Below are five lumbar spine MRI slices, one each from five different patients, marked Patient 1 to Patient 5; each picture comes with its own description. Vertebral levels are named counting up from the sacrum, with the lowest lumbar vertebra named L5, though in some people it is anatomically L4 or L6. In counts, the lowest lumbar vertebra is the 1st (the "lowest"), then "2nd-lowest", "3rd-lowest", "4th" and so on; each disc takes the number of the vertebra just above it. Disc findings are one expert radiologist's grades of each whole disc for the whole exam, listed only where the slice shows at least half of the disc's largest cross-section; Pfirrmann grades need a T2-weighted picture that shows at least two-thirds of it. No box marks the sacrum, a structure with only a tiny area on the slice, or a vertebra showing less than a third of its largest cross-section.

Patient 1 of 5:
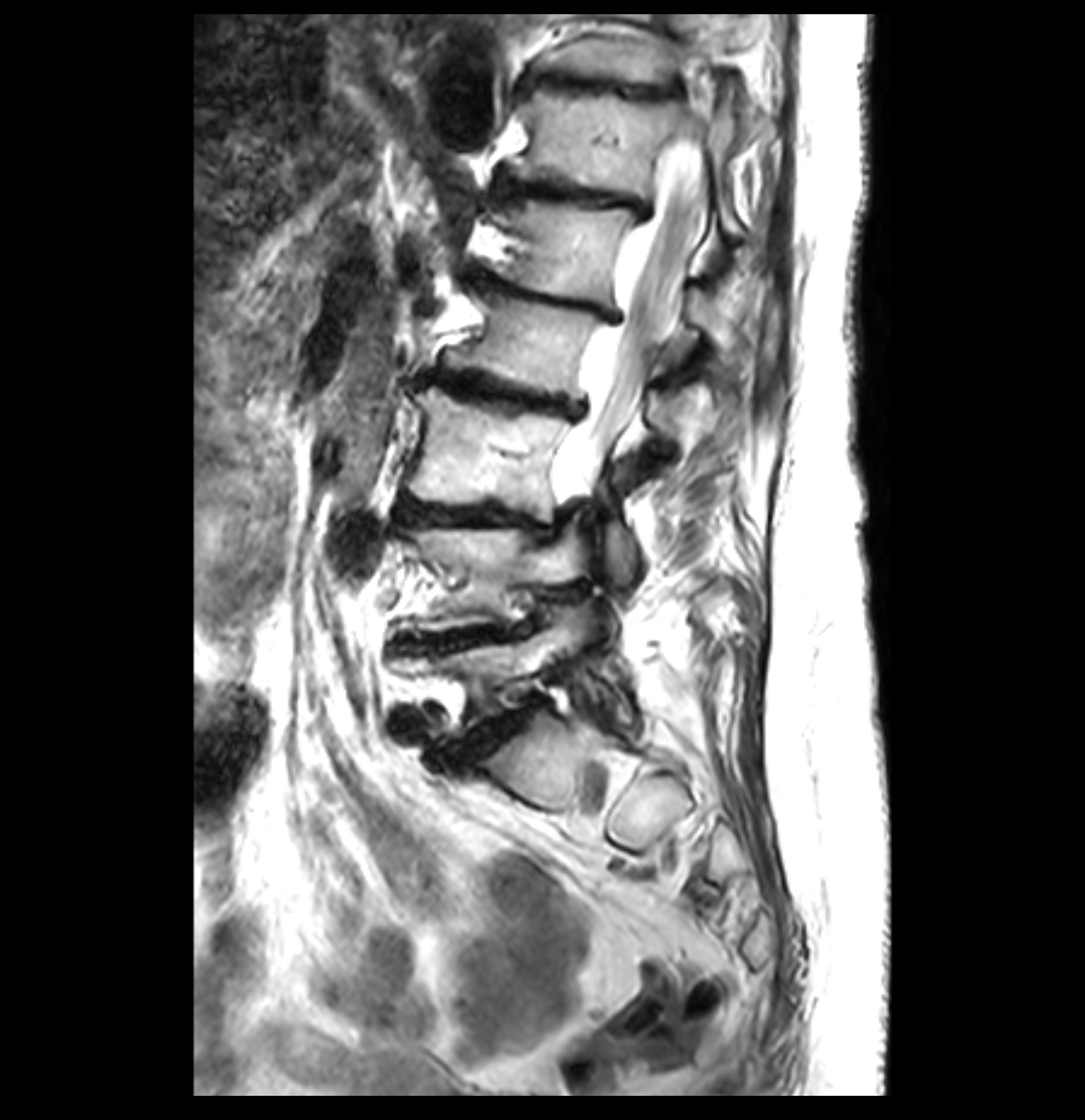
Sagittal T2-weighted lumbar spine MRI; 1085x1120 px
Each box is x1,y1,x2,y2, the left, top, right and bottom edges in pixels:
IVD T11/T12 = 528,74,688,102.
Thecal sac / spinal canal = 559,113,712,490.
L4/L5 = 397,623,532,648.
L1 vertebra = 499,203,728,344.
L3/L4 = 402,502,552,535.
L4 = 395,525,583,634.
IVD L2/L3 = 429,367,583,419.
T12/L1 = 494,180,651,215.
T11 vertebra = 540,16,765,138.
L3 vertebra = 407,385,625,567.
L5/S1 = 455,696,545,768.
L1/L2 = 472,266,622,324.
L2 = 448,297,688,431.
T12 = 513,87,738,234.
L5 vertebra = 412,604,586,737.

Expert MSK radiologist gradings (per disc):
  L3/L4: Pfirrmann grade 5, lower-endplate change, upper-endplate change, Modic type II, disc narrowing, disc bulging
  L1/L2: upper-endplate change, disc bulging, lower-endplate change, Modic type II, disc narrowing
  L4/L5: Modic type II, disc bulging, upper-endplate change, disc narrowing, lower-endplate change
  T12/L1: Modic type II, disc bulging, disc narrowing, lower-endplate change, upper-endplate change
  L5/S1: Pfirrmann grade 5, lower-endplate change, disc bulging, upper-endplate change, Modic type II, disc narrowing, disc herniation
  T11/T12: Modic type II, disc narrowing, upper-endplate change, disc bulging, lower-endplate change

Patient 2 of 5:
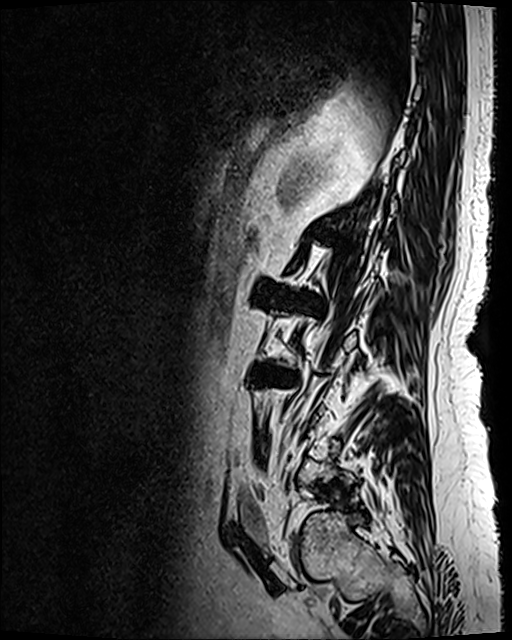

T2 SPACE (3D) sagittal MRI of the lumbar spine; Field of view 240x300 mm; 512x640 px; Sex F

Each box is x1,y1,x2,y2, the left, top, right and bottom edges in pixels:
L3/L4 at 255,368,297,381.
L2/L3 at 281,296,304,306.

Patient 3 of 5:
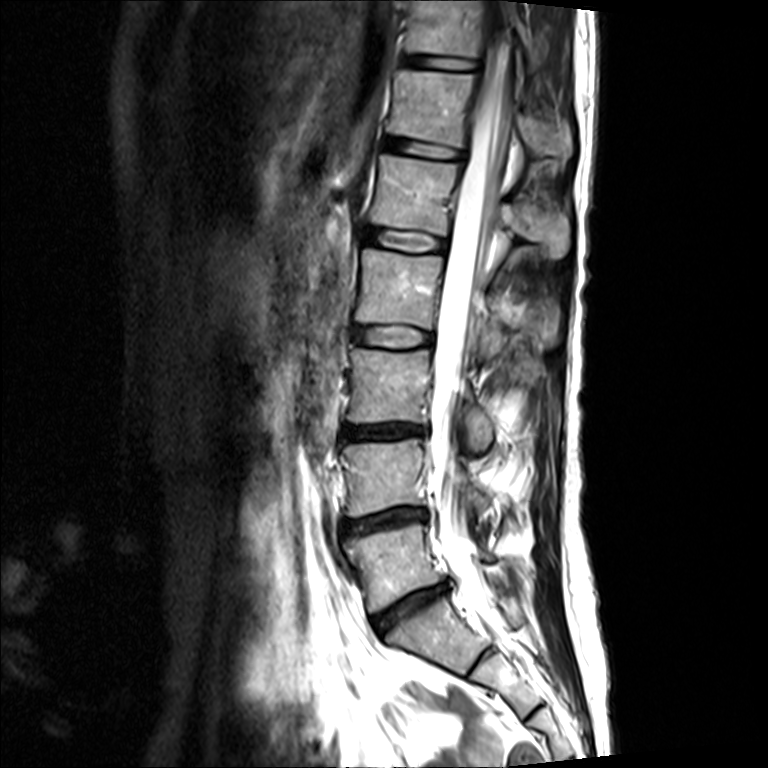

Slice spacing 4.4 mm. Patient sex: F. Sagittal T2-weighted lumbar spine MRI.

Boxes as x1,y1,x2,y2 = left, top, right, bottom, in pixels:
* L1 vertebra: 372,153,571,257
* intervertebral disc T11/T12: 402,52,480,72
* intervertebral disc T12/L1: 385,135,463,161
* T12: 388,69,570,156
* L3 vertebra: 349,348,493,448
* L2 vertebra: 356,247,559,352
* T11 vertebra: 405,0,547,67
* L2/L3: 353,325,431,346
* intervertebral disc L1/L2: 369,228,447,252
* intervertebral disc L4/L5: 344,506,427,533
* L5: 344,524,495,612
* intervertebral disc L3/L4: 343,424,422,439
* spinal canal: 433,0,515,619
* L4: 342,437,488,516
* L5/S1: 372,584,447,635

Radiological gradings:
  T12/L1: Pfirrmann grade 2
  L3/L4: Pfirrmann grade 4, disc narrowing, disc bulging
  T11/T12: Pfirrmann grade 2
  L1/L2: Pfirrmann grade 2
  L4/L5: Pfirrmann grade 4, disc bulging, disc narrowing
  L5/S1: Pfirrmann grade 4, disc narrowing, disc bulging
  L2/L3: Pfirrmann grade 2, Modic type II

Patient 4 of 5:
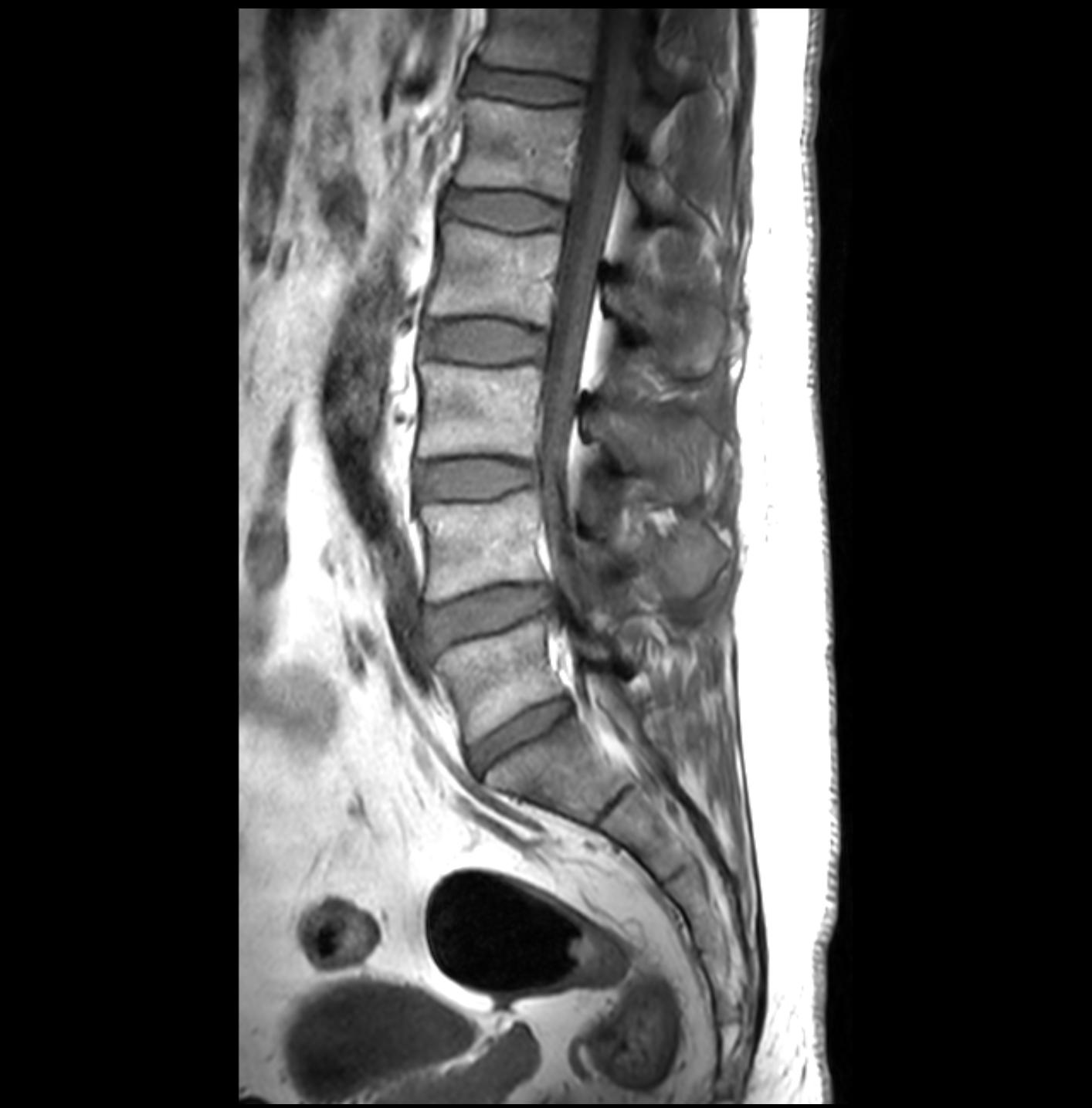 T1-weighted sagittal MRI of the lumbar spine | Sagittal slice index 18
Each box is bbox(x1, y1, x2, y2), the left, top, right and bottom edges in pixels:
L5/S1: bbox(467, 696, 569, 772).
IVD L4/L5: bbox(426, 584, 550, 647).
L1/L2: bbox(445, 191, 562, 227).
L5: bbox(440, 615, 622, 745).
T12 vertebra: bbox(481, 8, 677, 98).
L3/L4: bbox(416, 459, 538, 497).
Thecal sac / spinal canal: bbox(539, 10, 640, 663).
L1 vertebra: bbox(454, 98, 673, 211).
IVD L2/L3: bbox(423, 322, 544, 360).
L2: bbox(428, 222, 722, 373).
L4: bbox(418, 490, 724, 602).
L3: bbox(418, 361, 702, 500).
T12/L1: bbox(469, 68, 585, 102).

Per-level radiological findings:
• L4/L5: disc herniation
• L3/L4, L2/L3, L1/L2, T12/L1, L5/S1: no herniation, bulging, narrowing, spondylolisthesis, endplate or Modic change recorded

Patient 5 of 5:
Lumbar spine MR, T2-weighted, sagittal

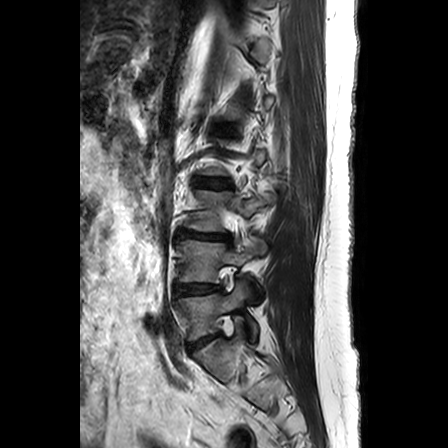
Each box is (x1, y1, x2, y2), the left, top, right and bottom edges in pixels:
L3 vertebra: (186, 190, 276, 231)
intervertebral disc L4/L5: (176, 284, 219, 295)
intervertebral disc L3/L4: (178, 230, 229, 240)
L5/S1: (189, 335, 217, 350)
L2/L3: (196, 177, 230, 188)
L5: (177, 281, 257, 342)
L4: (175, 238, 266, 282)

Per-level radiological findings:
• L3/L4: Pfirrmann grade 3, disc herniation, Modic type II, lower-endplate change, upper-endplate change, disc narrowing
• L4/L5: disc bulging
• L2/L3: no spondylolisthesis, narrowing, bulging, herniation, Modic or endplate change recorded